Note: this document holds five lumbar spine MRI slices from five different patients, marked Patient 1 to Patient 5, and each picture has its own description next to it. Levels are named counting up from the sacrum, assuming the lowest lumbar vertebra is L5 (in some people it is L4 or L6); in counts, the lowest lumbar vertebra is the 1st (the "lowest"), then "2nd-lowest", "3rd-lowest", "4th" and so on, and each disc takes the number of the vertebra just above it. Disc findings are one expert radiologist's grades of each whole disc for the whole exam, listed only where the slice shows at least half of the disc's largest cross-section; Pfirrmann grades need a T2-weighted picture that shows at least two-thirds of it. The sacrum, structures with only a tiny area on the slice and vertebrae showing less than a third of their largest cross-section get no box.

Patient 1 of 5:
T1-weighted sagittal MRI of the lumbar spine, Slice 8 of 26
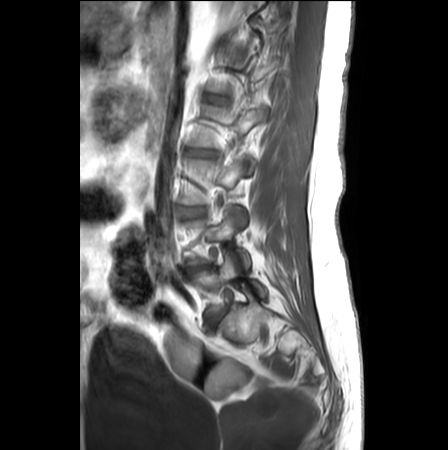
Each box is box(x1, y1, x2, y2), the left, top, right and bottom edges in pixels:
Segmented structures:
• 3rd-lowest disc — box(181, 207, 204, 217)
• lowest vertebra — box(189, 254, 266, 312)
• 5th disc — box(205, 95, 227, 104)
• 4th disc — box(189, 149, 214, 156)
• lowest disc — box(208, 305, 229, 325)

Patient 2 of 5:
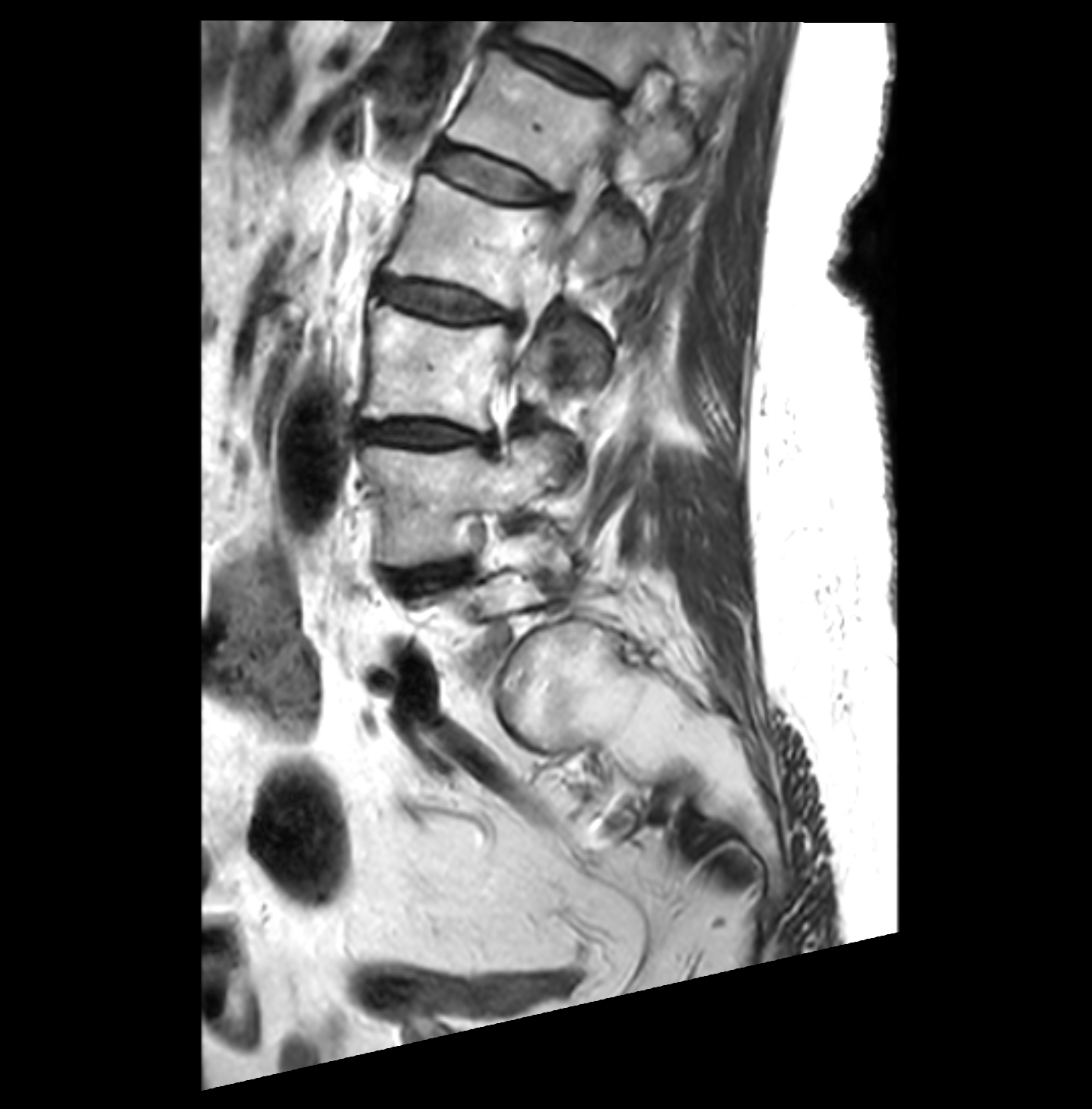 T2-weighted sagittal MRI of the lumbar spine

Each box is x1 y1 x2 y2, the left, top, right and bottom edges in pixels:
L2 vertebra: 389 173 646 388
T12: 509 19 662 84
L3 vertebra: 362 302 560 429
disc L1/L2: 433 144 548 202
disc L3/L4: 358 420 494 450
disc T12/L1: 503 40 615 96
L4 vertebra: 362 435 557 564
disc L4/L5: 397 560 469 591
thecal sac / spinal canal: 509 139 611 372
L2/L3: 380 279 520 328
L1: 447 49 690 189

Per-level radiological findings:
• L2/L3: Pfirrmann grade 3, Modic type II, disc bulging
• L1/L2: Pfirrmann grade 2, Modic type II
• L3/L4: Pfirrmann grade 3, disc bulging, Modic type II, disc narrowing
• T12/L1: Pfirrmann grade 3, disc bulging

Patient 3 of 5:
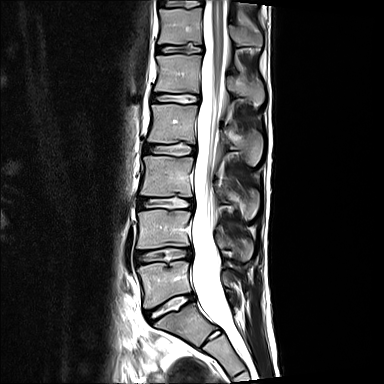

Slice 8/15, Sagittal T2-weighted lumbar spine MRI, Patient sex: M, Image 384x384
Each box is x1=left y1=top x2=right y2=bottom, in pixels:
4th disc: x1=145 y1=143 x2=196 y2=155.
5th vertebra: x1=155 y1=54 x2=264 y2=103.
6th disc: x1=156 y1=45 x2=203 y2=53.
Lowest vertebra: x1=137 y1=261 x2=231 y2=308.
2nd-lowest disc: x1=136 y1=247 x2=191 y2=264.
2nd-lowest vertebra: x1=137 y1=210 x2=253 y2=261.
Lowest disc: x1=145 y1=294 x2=195 y2=322.
7th vertebra: x1=164 y1=0 x2=201 y2=6.
3rd-lowest vertebra: x1=141 y1=156 x2=260 y2=220.
6th vertebra: x1=158 y1=8 x2=262 y2=45.
Thecal sac / spinal canal: x1=191 y1=0 x2=238 y2=343.
3rd-lowest disc: x1=139 y1=198 x2=194 y2=210.
5th disc: x1=152 y1=94 x2=199 y2=103.
7th disc: x1=159 y1=2 x2=201 y2=8.
4th vertebra: x1=147 y1=104 x2=262 y2=166.

Degenerative findings by level:
- 5th disc: Pfirrmann grade 2
- 4th disc: Pfirrmann grade 2, lower-endplate change
- 7th disc: Pfirrmann grade 2, upper-endplate change
- lowest disc: Pfirrmann grade 2, upper-endplate change
- 6th disc: Pfirrmann grade 2, upper-endplate change, lower-endplate change
- 2nd-lowest disc: Pfirrmann grade 2, lower-endplate change, disc bulging, upper-endplate change
- 3rd-lowest disc: Pfirrmann grade 2, upper-endplate change, lower-endplate change, disc narrowing

Patient 4 of 5:
Sagittal slice index 4. Patient sex: F. Lumbar spine MR, T2-weighted, sagittal. 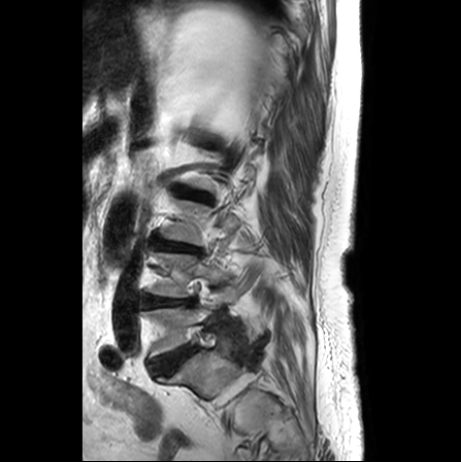

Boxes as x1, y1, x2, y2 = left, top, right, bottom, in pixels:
L5 vertebra = 143, 306, 211, 356 | L2/L3 = 179, 187, 210, 200 | IVD L4/L5 = 144, 295, 193, 306 | L5/S1 = 153, 346, 195, 374 | L3/L4 = 157, 240, 198, 252

Degenerative findings by level:
• L3/L4: disc narrowing, Modic type II, upper-endplate change, lower-endplate change
• L2/L3: upper-endplate change, lower-endplate change, disc narrowing
• L5/S1: Modic type II

Patient 5 of 5:
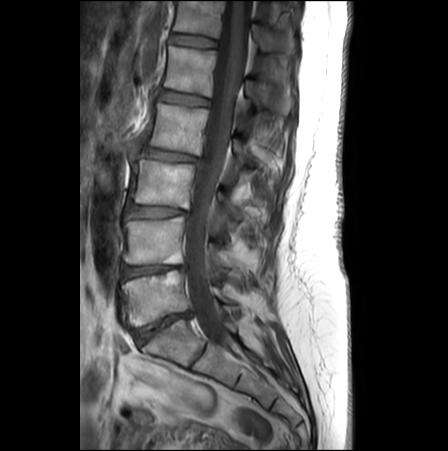 448x451 px, Sagittal T1-weighted lumbar spine MRI, Slice 13/27

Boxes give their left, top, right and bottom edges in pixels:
L2 at left=149, top=104, right=277, bottom=176; T12 at left=173, top=0, right=295, bottom=55; intervertebral disc L2/L3 at left=142, top=148, right=200, bottom=162; intervertebral disc L5/S1 at left=135, top=312, right=189, bottom=344; L4 at left=123, top=216, right=232, bottom=266; L1/L2 at left=160, top=90, right=208, bottom=106; L1 at left=164, top=46, right=290, bottom=113; thecal sac / spinal canal at left=183, top=0, right=249, bottom=352; intervertebral disc L4/L5 at left=122, top=265, right=185, bottom=279; L5 at left=122, top=269, right=229, bottom=326; L3/L4 at left=127, top=205, right=187, bottom=216; L3 at left=132, top=159, right=242, bottom=227; T12/L1 at left=170, top=33, right=215, bottom=47.

Radiological gradings:
- L5/S1: Modic type II, disc bulging, disc narrowing
- L4/L5: Modic type II, disc narrowing, disc bulging, upper-endplate change
- L2/L3: disc narrowing, disc bulging
- L3/L4: disc bulging, Modic type II
- T12/L1, L1/L2: no herniation, bulging, narrowing, spondylolisthesis, endplate or Modic change recorded